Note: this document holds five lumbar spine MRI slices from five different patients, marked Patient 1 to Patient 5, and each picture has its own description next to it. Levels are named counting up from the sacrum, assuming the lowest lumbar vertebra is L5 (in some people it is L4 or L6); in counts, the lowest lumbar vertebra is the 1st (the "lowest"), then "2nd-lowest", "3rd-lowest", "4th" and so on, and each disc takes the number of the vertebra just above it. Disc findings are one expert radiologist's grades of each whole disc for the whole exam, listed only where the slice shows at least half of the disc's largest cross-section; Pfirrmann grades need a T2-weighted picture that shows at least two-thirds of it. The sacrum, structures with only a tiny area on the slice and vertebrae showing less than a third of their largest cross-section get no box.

Patient 1 of 5:
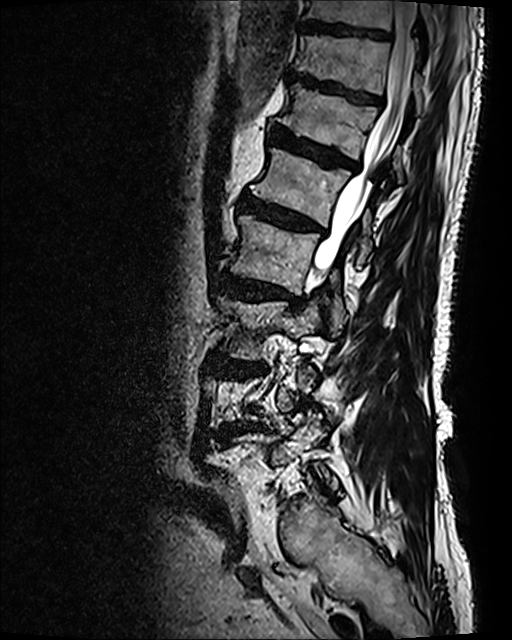

Sagittal slice index 90. Slice spacing 0.9 mm. T2 SPACE (3D) sagittal MRI of the lumbar spine.
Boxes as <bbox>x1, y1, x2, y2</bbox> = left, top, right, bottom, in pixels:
Structures:
• 8th disc: <bbox>299, 22, 391, 40</bbox>
• 7th disc: <bbox>288, 70, 382, 104</bbox>
• thecal sac / spinal canal: <bbox>311, 1, 416, 277</bbox>
• 7th vertebra: <bbox>294, 36, 425, 113</bbox>
• 5th vertebra: <bbox>252, 148, 372, 265</bbox>
• 3rd-lowest vertebra: <bbox>220, 298, 319, 357</bbox>
• 4th disc: <bbox>218, 273, 303, 308</bbox>
• 8th vertebra: <bbox>304, 0, 436, 42</bbox>
• 6th disc: <bbox>270, 125, 359, 169</bbox>
• 4th vertebra: <bbox>229, 215, 346, 330</bbox>
• 2nd-lowest disc: <bbox>228, 423, 258, 429</bbox>
• 6th vertebra: <bbox>277, 84, 403, 180</bbox>
• 3rd-lowest disc: <bbox>219, 357, 265, 372</bbox>
• 5th disc: <bbox>238, 196, 322, 232</bbox>

Per-level radiological findings:
- 8th disc: Pfirrmann grade 3
- 6th disc: Pfirrmann grade 4, disc bulging, Modic type II, lower-endplate change, upper-endplate change
- 5th disc: Pfirrmann grade 4, disc bulging, Modic type II, lower-endplate change, upper-endplate change
- 4th disc: Pfirrmann grade 4, Modic type I, disc narrowing, lower-endplate change, disc bulging, upper-endplate change
- 7th disc: Pfirrmann grade 4, disc bulging, lower-endplate change, upper-endplate change

Patient 2 of 5:
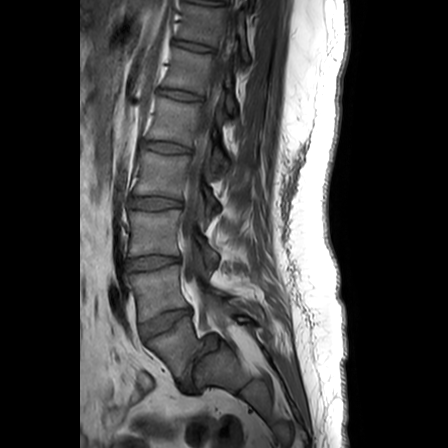 Lumbar spine MR, T1-weighted, sagittal
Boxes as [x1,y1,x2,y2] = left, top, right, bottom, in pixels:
5th vertebra: [149,97,229,166].
2nd-lowest disc: [141,308,191,339].
3rd-lowest vertebra: [130,210,219,266].
Lowest vertebra: [148,317,251,378].
2nd-lowest vertebra: [131,265,227,321].
Thecal sac / spinal canal: [181,0,241,339].
4th vertebra: [136,151,221,210].
5th disc: [144,142,189,154].
3rd-lowest disc: [129,256,179,272].
Lowest disc: [183,335,221,386].
6th vertebra: [163,48,236,112].
7th disc: [175,41,211,51].
7th vertebra: [178,5,249,60].
4th disc: [130,198,180,209].
6th disc: [160,89,201,100].

Degenerative findings by level:
• 2nd-lowest disc: disc bulging
• lowest disc: lower-endplate change, disc bulging, spondylolisthesis, disc narrowing
• 4th disc, 7th disc, 5th disc, 3rd-lowest disc, 6th disc: no Modic or endplate change, herniation, narrowing, bulging or spondylolisthesis recorded

Patient 3 of 5:
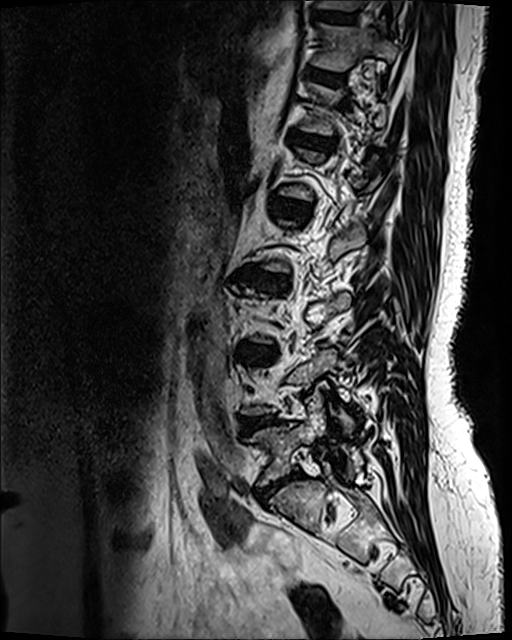

Patient sex: F, Lumbar spine MR, T2 SPACE (3D), sagittal, Sagittal slice index 82
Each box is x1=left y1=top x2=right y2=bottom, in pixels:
T12/L1 at x1=290 y1=133 x2=332 y2=149 | L2/L3 at x1=238 y1=270 x2=290 y2=288 | L1/L2 at x1=270 y1=198 x2=312 y2=219 | L5 at x1=249 y1=408 x2=325 y2=485 | T11/T12 at x1=306 y1=70 x2=342 y2=83 | T10/T11 at x1=312 y1=10 x2=354 y2=22 | IVD L5/S1 at x1=256 y1=469 x2=299 y2=499 | T10 at x1=313 y1=0 x2=402 y2=20 | T11 at x1=312 y1=24 x2=396 y2=70 | IVD L4/L5 at x1=242 y1=416 x2=278 y2=431 | IVD L3/L4 at x1=239 y1=346 x2=274 y2=355

Radiological gradings:
- L2/L3: Pfirrmann grade 4, Modic type II, disc bulging, lower-endplate change, upper-endplate change, disc narrowing
- T12/L1: disc bulging
- T10/T11, L1/L2: no herniation, bulging, narrowing, spondylolisthesis, endplate or Modic change recorded

Patient 4 of 5:
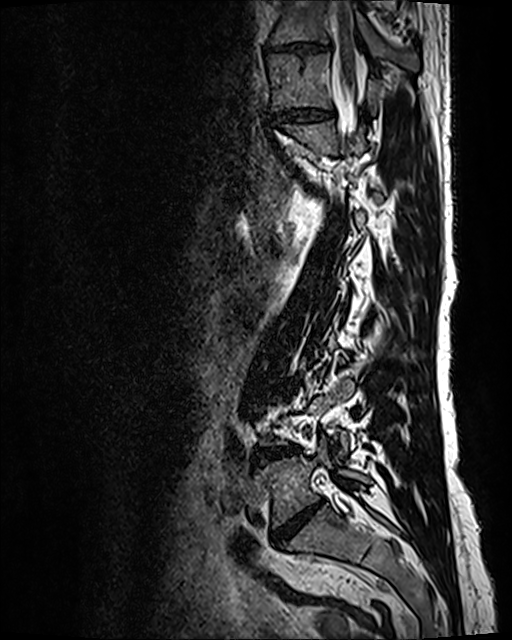 Sagittal T2 SPACE (3D) lumbar spine MRI. Sex F. Slice 87 of 120.

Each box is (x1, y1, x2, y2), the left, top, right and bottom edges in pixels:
{"T10 (8th vertebra)": "(270, 1, 418, 69)", "L5 (lowest vertebra)": "(256, 437, 370, 526)", "intervertebral disc T11/T12 (7th disc)": "(271, 106, 334, 123)", "intervertebral disc T10/T11 (8th disc)": "(271, 43, 326, 52)", "T11 (7th vertebra)": "(268, 53, 379, 115)", "L4/L5 (2nd-lowest disc)": "(254, 447, 295, 463)", "intervertebral disc L5/S1 (lowest disc)": "(272, 498, 324, 546)", "thecal sac / spinal canal": "(330, 2, 365, 137)"}

Degenerative findings by level:
  T10/T11 (8th disc): disc narrowing, disc bulging
  L5/S1 (lowest disc): Pfirrmann grade 5, Modic type II, disc bulging, lower-endplate change, upper-endplate change, disc narrowing
  T11/T12 (7th disc): Pfirrmann grade 3, disc bulging, disc narrowing

Patient 5 of 5:
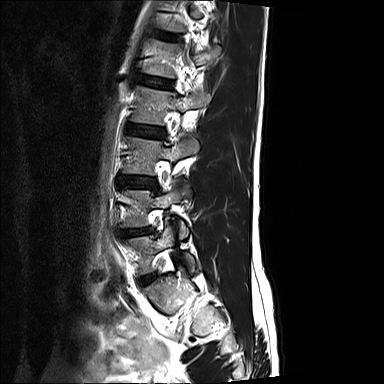
Slice 5 of 15. Sagittal T2-weighted lumbar spine MRI. Field of view 280x280 mm, slice spacing 4.8 mm.

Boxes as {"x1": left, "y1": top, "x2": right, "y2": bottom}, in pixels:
{"L4": {"x1": 121, "y1": 187, "x2": 188, "y2": 237}, "L1": {"x1": 143, "y1": 40, "x2": 220, "y2": 77}, "L5 vertebra": {"x1": 129, "y1": 223, "x2": 194, "y2": 273}, "L3": {"x1": 124, "y1": 133, "x2": 198, "y2": 174}, "IVD L4/L5": {"x1": 120, "y1": 229, "x2": 149, "y2": 237}, "L2/L3": {"x1": 126, "y1": 123, "x2": 164, "y2": 137}, "IVD L5/S1": {"x1": 141, "y1": 274, "x2": 156, "y2": 284}, "IVD L1/L2": {"x1": 137, "y1": 74, "x2": 173, "y2": 89}, "IVD T12/L1": {"x1": 156, "y1": 30, "x2": 178, "y2": 40}, "L2 vertebra": {"x1": 132, "y1": 86, "x2": 211, "y2": 124}, "IVD L3/L4": {"x1": 119, "y1": 176, "x2": 155, "y2": 188}}

Radiological gradings:
• L1/L2: Pfirrmann grade 2
• L2/L3: Pfirrmann grade 2
• L3/L4: no herniation, bulging, narrowing, spondylolisthesis, endplate or Modic change recorded